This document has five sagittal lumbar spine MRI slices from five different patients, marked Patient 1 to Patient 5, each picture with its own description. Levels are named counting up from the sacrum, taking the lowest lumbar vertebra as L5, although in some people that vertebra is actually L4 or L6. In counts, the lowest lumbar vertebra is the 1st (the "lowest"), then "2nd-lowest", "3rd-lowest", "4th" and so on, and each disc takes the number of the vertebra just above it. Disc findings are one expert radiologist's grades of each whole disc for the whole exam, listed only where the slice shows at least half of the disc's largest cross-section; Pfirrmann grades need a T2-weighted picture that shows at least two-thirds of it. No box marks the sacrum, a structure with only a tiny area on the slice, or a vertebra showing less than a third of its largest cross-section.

Patient 1 of 5:
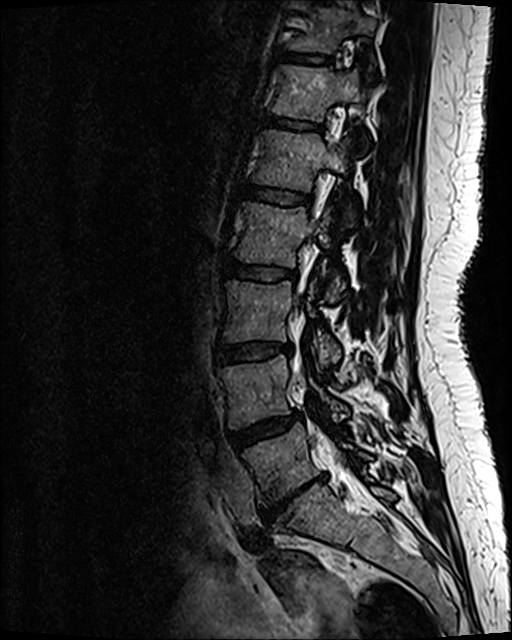 Sagittal T2 SPACE (3D) lumbar spine MRI, Slice spacing 0.9 mm

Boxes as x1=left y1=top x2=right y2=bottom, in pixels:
Annotations:
• 5th disc: x1=241 y1=184 x2=312 y2=206
• 6th vertebra: x1=272 y1=66 x2=364 y2=120
• 3rd-lowest disc: x1=215 y1=343 x2=292 y2=363
• 7th vertebra: x1=290 y1=8 x2=374 y2=52
• 7th disc: x1=277 y1=50 x2=329 y2=63
• 4th vertebra: x1=235 y1=204 x2=344 y2=300
• spinal canal: x1=292 y1=364 x2=302 y2=376
• lowest vertebra: x1=243 y1=424 x2=370 y2=505
• 4th disc: x1=227 y1=259 x2=296 y2=281
• 2nd-lowest vertebra: x1=221 y1=355 x2=345 y2=426
• 2nd-lowest disc: x1=228 y1=412 x2=299 y2=448
• 6th disc: x1=262 y1=114 x2=320 y2=129
• lowest disc: x1=262 y1=474 x2=326 y2=520
• 3rd-lowest vertebra: x1=223 y1=281 x2=339 y2=366
• 5th vertebra: x1=254 y1=130 x2=352 y2=219

Radiological gradings:
  2nd-lowest disc: Pfirrmann grade 3, disc bulging
  5th disc: Pfirrmann grade 2
  6th disc: Pfirrmann grade 2
  4th disc: Pfirrmann grade 2
  3rd-lowest disc: Pfirrmann grade 2, disc bulging
  7th disc: no Modic or endplate change, herniation, narrowing, bulging or spondylolisthesis recorded

Patient 2 of 5:
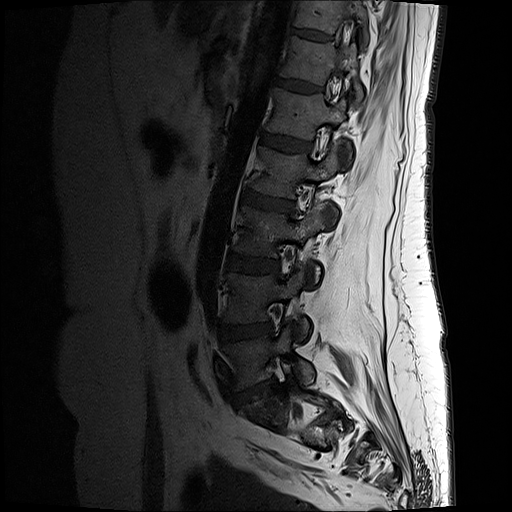
Lumbar spine MR, T1-weighted, sagittal, Sex F

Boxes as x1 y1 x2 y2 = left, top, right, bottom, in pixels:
L4 at 223 270 309 338.
L5 at 222 326 314 389.
L2 at 250 146 338 221.
T12 at 280 35 363 102.
L3/L4 at 227 254 279 273.
L2/L3 at 242 189 294 211.
T11 at 292 0 368 47.
IVD L1/L2 at 260 133 313 151.
L5/S1 at 234 380 273 406.
IVD L4/L5 at 221 322 273 341.
IVD T12/L1 at 275 77 321 91.
T11/T12 at 293 29 332 41.
L1 at 266 86 352 163.
L3 vertebra at 233 206 323 281.

Per-level radiological findings:
  L4/L5: disc bulging
  L2/L3: disc bulging
  T12/L1, L1/L2, L3/L4, T11/T12: no Modic or endplate change, herniation, narrowing, bulging or spondylolisthesis recorded

Patient 3 of 5:
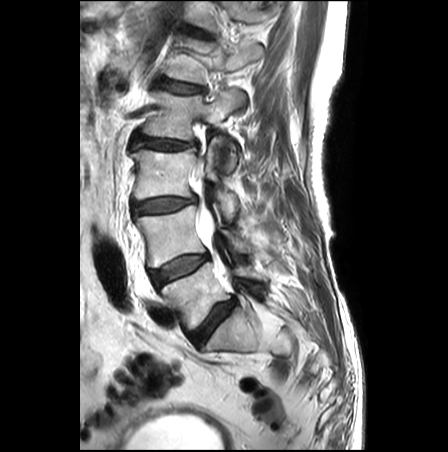 Sex M | Lumbar spine MR, T2-weighted, sagittal | Slice 18/27
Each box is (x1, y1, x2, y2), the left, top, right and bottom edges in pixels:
Intervertebral disc L2/L3 at (133, 135, 195, 150), T12/L1 at (184, 25, 213, 38), intervertebral disc L3/L4 at (131, 197, 196, 215), L3 vertebra at (131, 137, 238, 222), intervertebral disc L1/L2 at (160, 79, 204, 93), intervertebral disc L5/S1 at (188, 299, 236, 346), L4 vertebra at (136, 205, 250, 267), L4/L5 at (150, 254, 208, 286), spinal canal at (191, 169, 224, 273), L2 vertebra at (144, 90, 245, 171), L1 at (164, 39, 262, 83), L5 at (161, 247, 264, 328), T12 vertebra at (188, 1, 269, 29).

Per-level radiological findings:
- L1/L2: Modic type II, lower-endplate change, disc bulging, upper-endplate change
- L3/L4: Pfirrmann grade 3, disc bulging, disc narrowing
- L5/S1: Pfirrmann grade 3, disc bulging
- L4/L5: Pfirrmann grade 3, disc bulging
- L2/L3: disc bulging

Patient 4 of 5:
Lumbar spine MR, T2 SPACE (3D), sagittal. Image 512x640. 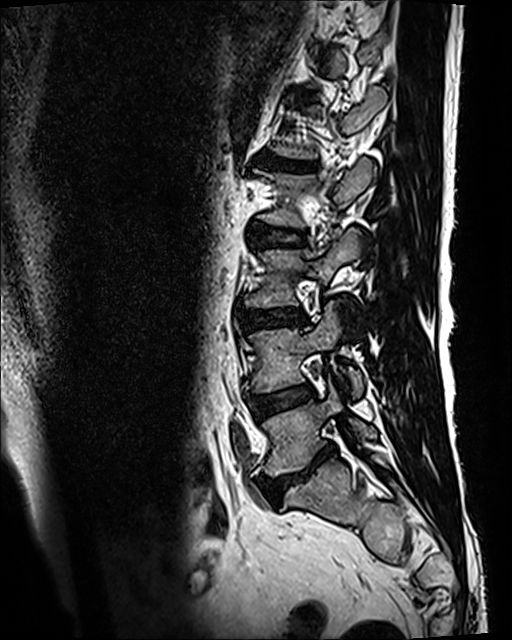
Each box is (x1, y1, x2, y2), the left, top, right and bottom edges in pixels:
Intervertebral disc L4/L5 at (250, 385, 313, 416).
L4 at (245, 301, 363, 397).
Intervertebral disc L3/L4 at (239, 309, 306, 331).
Intervertebral disc L1/L2 at (260, 156, 316, 171).
L2 at (259, 158, 376, 227).
L3 vertebra at (245, 228, 362, 308).
L5 vertebra at (261, 382, 376, 476).
L2/L3 at (251, 224, 305, 247).
Intervertebral disc L5/S1 at (262, 446, 335, 502).

Expert MSK radiologist gradings (per disc):
  L5/S1: Modic type II, disc narrowing, disc bulging, lower-endplate change, upper-endplate change
  L3/L4: Pfirrmann grade 3, lower-endplate change, disc bulging, upper-endplate change
  L4/L5: Modic type II
  L1/L2: Modic type II, lower-endplate change, disc bulging, disc narrowing, upper-endplate change
  L2/L3: no herniation, bulging, narrowing, spondylolisthesis, endplate or Modic change recorded

Patient 5 of 5:
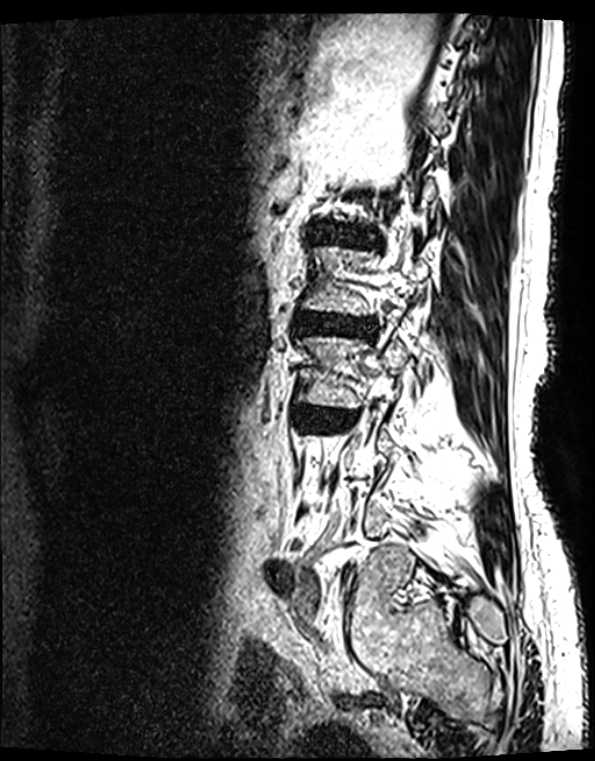
Lumbar spine MR, T2 SPACE (3D), sagittal. Field of view 240x307 mm, slice spacing 0.9 mm.

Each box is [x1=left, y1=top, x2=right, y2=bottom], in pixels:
{"disc L2/L3": "[x1=294, y1=316, x2=372, y2=335]", "disc L3/L4": "[x1=296, y1=408, x2=352, y2=429]", "L1/L2": "[x1=323, y1=230, x2=368, y2=242]", "L2": "[x1=301, y1=246, x2=428, y2=315]", "L3 vertebra": "[x1=298, y1=330, x2=436, y2=408]"}

Per-level radiological findings:
- L2/L3: Pfirrmann grade 4, upper-endplate change, Modic type II, lower-endplate change, disc bulging, disc narrowing
- L3/L4: Modic type II, upper-endplate change, disc narrowing, lower-endplate change, disc bulging